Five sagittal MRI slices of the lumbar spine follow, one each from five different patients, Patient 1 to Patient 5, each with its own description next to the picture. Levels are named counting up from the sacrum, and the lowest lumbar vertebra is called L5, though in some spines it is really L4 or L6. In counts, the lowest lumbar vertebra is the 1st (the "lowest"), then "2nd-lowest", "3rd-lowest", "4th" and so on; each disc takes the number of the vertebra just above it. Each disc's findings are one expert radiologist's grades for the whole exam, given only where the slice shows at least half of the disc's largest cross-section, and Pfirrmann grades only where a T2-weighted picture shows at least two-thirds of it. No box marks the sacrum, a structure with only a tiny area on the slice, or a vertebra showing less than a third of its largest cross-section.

Patient 1 of 5:
Image 881x899. Slice 24/31. Sagittal T2-weighted lumbar spine MRI. Sex F. 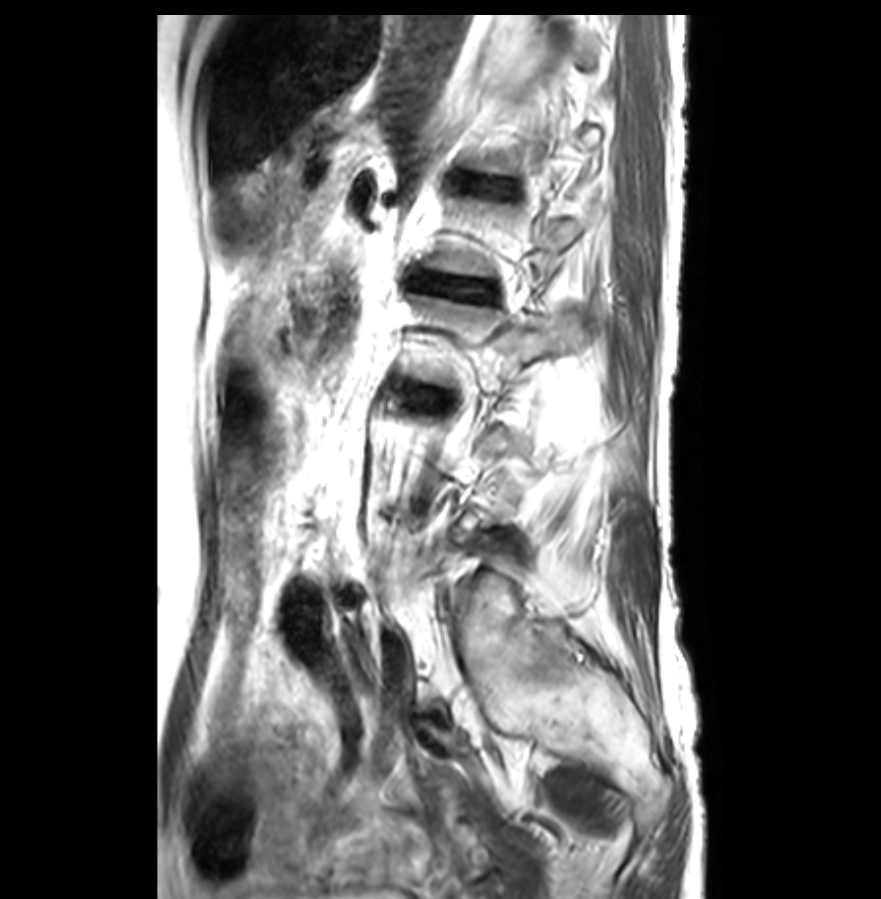 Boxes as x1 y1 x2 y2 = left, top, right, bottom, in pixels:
L2/L3 at 411 276 491 299.
L3/L4 at 409 387 449 407.
Intervertebral disc L1/L2 at 462 177 510 195.

Per-level radiological findings:
  L2/L3: disc narrowing, disc herniation, disc bulging, Modic type II, lower-endplate change, upper-endplate change

Patient 2 of 5:
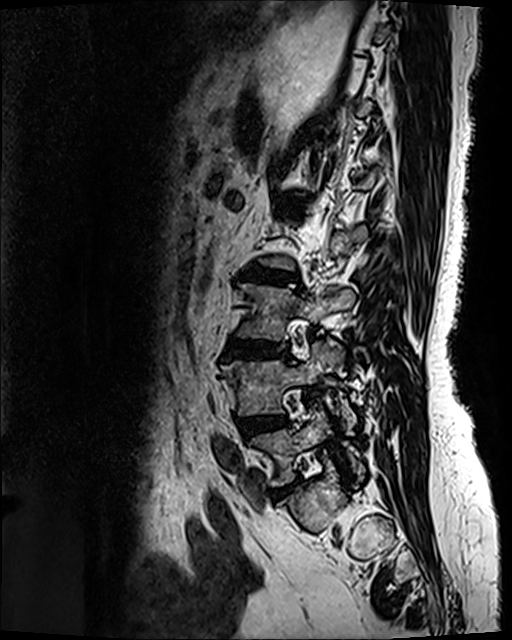 Lumbar spine MR, T2 SPACE (3D), sagittal
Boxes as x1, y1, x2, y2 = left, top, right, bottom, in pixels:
L5 at 251, 410, 363, 486; L3 at 237, 283, 354, 339; disc L5/S1 at 273, 480, 301, 497; L1/L2 at 280, 199, 302, 211; L2/L3 at 244, 267, 298, 284; disc L3/L4 at 226, 341, 289, 358; L4/L5 at 240, 417, 286, 437; L4 at 221, 338, 343, 416.

Degenerative findings by level:
  L2/L3: Modic type II, disc bulging, lower-endplate change, upper-endplate change, disc narrowing
  L3/L4: Pfirrmann grade 4, upper-endplate change, lower-endplate change, disc narrowing, disc bulging, Modic type II

Patient 3 of 5:
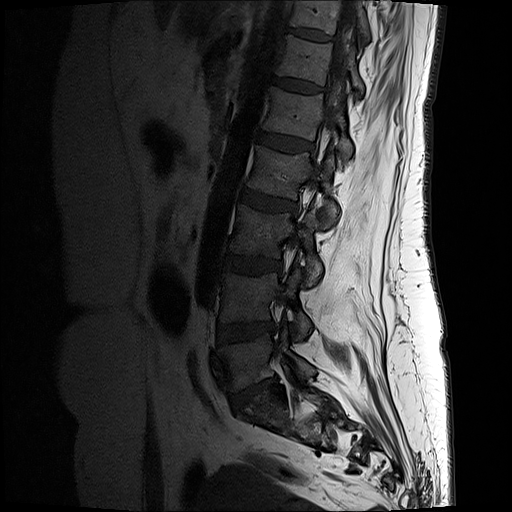

MRI lumbar spine (T1-weighted), sagittal plane
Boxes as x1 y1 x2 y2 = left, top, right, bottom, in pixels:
2nd-lowest disc: 218 321 275 341.
5th vertebra: 263 86 353 158.
2nd-lowest vertebra: 221 270 311 337.
Spinal canal: 315 0 353 163.
6th disc: 271 77 321 93.
4th vertebra: 248 145 340 225.
3rd-lowest disc: 226 255 280 273.
4th disc: 242 189 297 210.
Lowest disc: 231 378 276 410.
Lowest vertebra: 220 329 315 391.
6th vertebra: 277 34 364 96.
7th disc: 286 26 333 41.
3rd-lowest vertebra: 232 205 322 284.
5th disc: 258 132 314 151.
7th vertebra: 290 0 371 46.

Radiological gradings:
• lowest disc: disc narrowing, lower-endplate change, disc herniation, upper-endplate change
• 4th disc: disc bulging
• 2nd-lowest disc: disc bulging
• 3rd-lowest disc, 5th disc, 6th disc, 7th disc: no spondylolisthesis, narrowing, bulging, herniation, Modic or endplate change recorded

Patient 4 of 5:
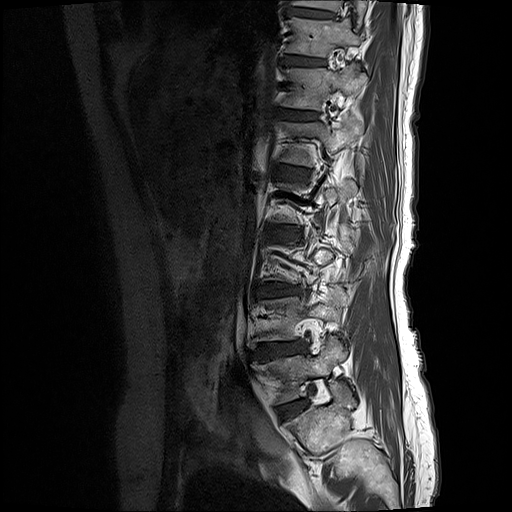

Patient sex: F, Slice 16/17, Lumbar spine MR, T1-weighted, sagittal
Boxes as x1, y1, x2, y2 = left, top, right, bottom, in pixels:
Structures:
- disc L1/L2: 275, 166, 307, 181
- L5/S1: 285, 405, 302, 416
- L5 vertebra: 257, 338, 347, 403
- T12 vertebra: 282, 66, 367, 109
- disc T12/L1: 280, 110, 316, 120
- disc T11/T12: 283, 55, 323, 64
- L1 vertebra: 280, 118, 363, 166
- disc L3/L4: 258, 283, 296, 295
- L2/L3: 272, 226, 302, 239
- L4/L5: 255, 343, 306, 357
- T11 vertebra: 286, 17, 362, 57
- disc T10/T11: 289, 9, 332, 17
- T10 vertebra: 292, 0, 366, 24

Radiological gradings:
- T12/L1: Modic type II, lower-endplate change, upper-endplate change
- T11/T12: lower-endplate change, upper-endplate change, Modic type II
- T10/T11: lower-endplate change, upper-endplate change
- L1/L2: lower-endplate change, upper-endplate change, Modic type II
- L4/L5: disc narrowing, Modic type II, upper-endplate change, disc bulging, lower-endplate change

Patient 5 of 5:
Sagittal slice index 7, Lumbar spine MR, T1-weighted, sagittal, Field of view 280x282 mm, Image 509x512, Scanner: Philips Healthcare Ingenia (3T)

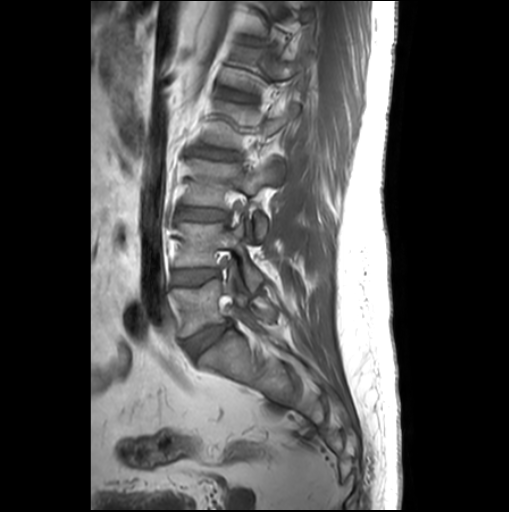 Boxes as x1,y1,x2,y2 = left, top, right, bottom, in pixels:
3rd-lowest vertebra at 185,159,283,236.
5th disc at 223,89,248,100.
3rd-lowest disc at 181,207,227,220.
4th disc at 195,147,236,159.
2nd-lowest vertebra at 176,221,262,291.
Lowest disc at 186,321,230,356.
Lowest vertebra at 173,275,277,335.
2nd-lowest disc at 173,268,218,284.

Degenerative findings by level:
• lowest disc: disc bulging
• 4th disc: upper-endplate change, lower-endplate change, disc bulging
• 3rd-lowest disc, 2nd-lowest disc: no Modic or endplate change, herniation, narrowing, bulging or spondylolisthesis recorded